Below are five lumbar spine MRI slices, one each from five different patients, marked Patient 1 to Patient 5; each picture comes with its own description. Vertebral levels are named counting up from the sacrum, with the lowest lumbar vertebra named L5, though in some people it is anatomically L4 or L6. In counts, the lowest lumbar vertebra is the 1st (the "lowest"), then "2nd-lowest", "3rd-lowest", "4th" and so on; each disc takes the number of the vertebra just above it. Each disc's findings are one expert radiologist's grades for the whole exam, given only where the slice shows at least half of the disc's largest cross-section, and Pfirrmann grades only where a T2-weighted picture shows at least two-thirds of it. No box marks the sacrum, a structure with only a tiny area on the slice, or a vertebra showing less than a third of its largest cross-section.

Patient 1 of 5:
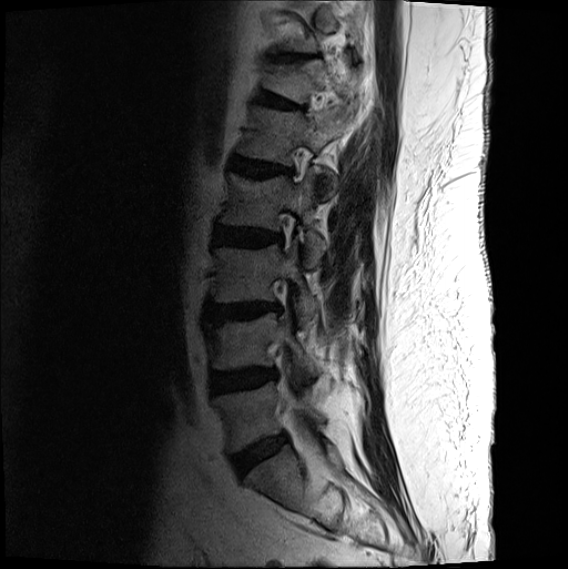

Sagittal T2-weighted lumbar spine MRI | Sagittal slice index 4 | Image 568x569 | Sex M

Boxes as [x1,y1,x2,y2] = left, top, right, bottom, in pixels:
T12 vertebra: [264,54,357,104].
Intervertebral disc L5/S1: [233,434,286,475].
L1/L2: [232,156,292,176].
L5 vertebra: [213,382,325,451].
Intervertebral disc T12/L1: [260,92,302,108].
Intervertebral disc L2/L3: [216,226,282,245].
L1: [238,107,351,165].
L4/L5: [211,368,276,392].
L3: [215,243,318,327].
L4: [211,313,318,381].
Intervertebral disc L3/L4: [207,303,281,324].
Intervertebral disc T11/T12: [276,53,304,60].
L2 vertebra: [222,173,337,267].

Radiological gradings:
- L1/L2: Pfirrmann grade 3, disc bulging, upper-endplate change, Modic type II, lower-endplate change, disc narrowing
- L4/L5: Pfirrmann grade 3, disc narrowing, disc bulging
- L2/L3: Pfirrmann grade 3, disc bulging, lower-endplate change
- L5/S1: Pfirrmann grade 2, disc bulging
- L3/L4: Pfirrmann grade 3, lower-endplate change, disc bulging, Modic type II, upper-endplate change

Patient 2 of 5:
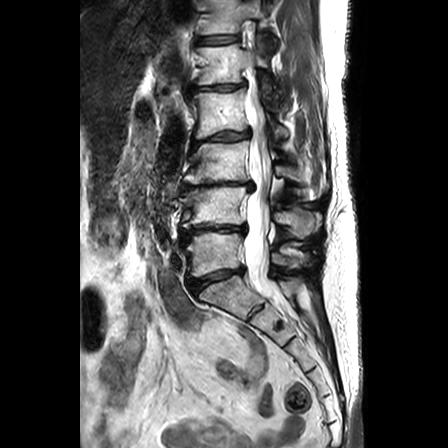 Slice spacing 3.3 mm. Slice 11/24. Sagittal T2-weighted lumbar spine MRI.
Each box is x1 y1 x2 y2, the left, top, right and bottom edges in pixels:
Spinal canal: 245 81 282 302.
4th disc: 190 129 249 151.
5th vertebra: 198 35 277 98.
2nd-lowest disc: 180 225 246 242.
2nd-lowest vertebra: 180 186 314 237.
4th vertebra: 190 89 287 137.
3rd-lowest vertebra: 183 140 322 197.
Lowest disc: 187 267 244 293.
5th disc: 189 81 244 93.
6th disc: 200 35 237 43.
Lowest vertebra: 185 231 307 277.
6th vertebra: 202 0 277 45.
3rd-lowest disc: 180 182 254 191.

Degenerative findings by level:
  2nd-lowest disc: Pfirrmann grade 5, Modic type II, upper-endplate change, disc narrowing, lower-endplate change, disc bulging
  4th disc: Pfirrmann grade 3, lower-endplate change, disc bulging, upper-endplate change, disc narrowing
  lowest disc: Pfirrmann grade 3, lower-endplate change, disc narrowing, disc bulging, upper-endplate change
  5th disc: disc bulging
  3rd-lowest disc: lower-endplate change, disc narrowing, Modic type II, disc bulging, upper-endplate change
  6th disc: no Modic or endplate change, herniation, narrowing, bulging or spondylolisthesis recorded

Patient 3 of 5:
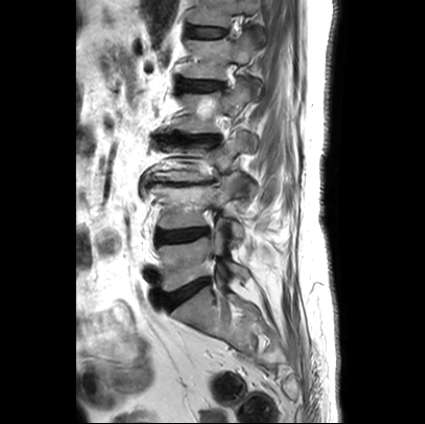
Sagittal T2-weighted lumbar spine MRI | Image 425x424

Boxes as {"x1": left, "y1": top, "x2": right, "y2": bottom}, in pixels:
Disc L5/S1 (lowest disc) at {"x1": 165, "y1": 278, "x2": 209, "y2": 308}, disc L3/L4 (3rd-lowest disc) at {"x1": 146, "y1": 179, "x2": 215, "y2": 186}, L5 (lowest vertebra) at {"x1": 158, "y1": 227, "x2": 248, "y2": 291}, L3 (3rd-lowest vertebra) at {"x1": 146, "y1": 131, "x2": 257, "y2": 195}, L4/L5 (2nd-lowest disc) at {"x1": 155, "y1": 228, "x2": 208, "y2": 244}, disc L1/L2 (5th disc) at {"x1": 177, "y1": 75, "x2": 222, "y2": 93}, L4 (2nd-lowest vertebra) at {"x1": 147, "y1": 175, "x2": 244, "y2": 243}, L1 (5th vertebra) at {"x1": 182, "y1": 32, "x2": 261, "y2": 97}, T12/L1 (6th disc) at {"x1": 187, "y1": 25, "x2": 226, "y2": 37}, L2/L3 (4th disc) at {"x1": 159, "y1": 135, "x2": 219, "y2": 143}, T12 (6th vertebra) at {"x1": 188, "y1": 0, "x2": 256, "y2": 26}, L2 (4th vertebra) at {"x1": 166, "y1": 80, "x2": 249, "y2": 133}.

Expert MSK radiologist gradings (per disc):
• L2/L3 (4th disc): Pfirrmann grade 1, disc narrowing, disc bulging, upper-endplate change, lower-endplate change
• T12/L1 (6th disc): Pfirrmann grade 2
• L1/L2 (5th disc): Pfirrmann grade 4, upper-endplate change, lower-endplate change, disc bulging
• L4/L5 (2nd-lowest disc): Pfirrmann grade 2, disc bulging
• L5/S1 (lowest disc): Pfirrmann grade 1, disc bulging

Patient 4 of 5:
MRI lumbar spine (T1-weighted), sagittal plane. SIEMENS Aera (1.5T). Sagittal slice index 14. 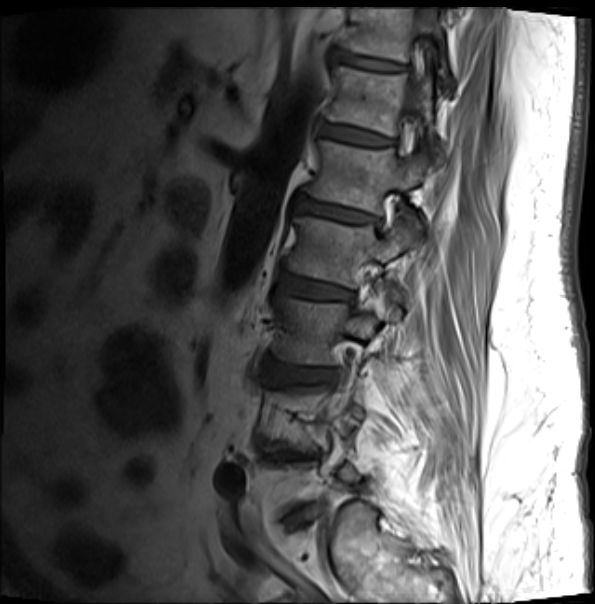

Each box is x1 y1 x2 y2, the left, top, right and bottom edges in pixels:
• 7th vertebra at 342 8 447 83
• 6th disc at 322 124 390 145
• 5th disc at 294 196 379 224
• 5th vertebra at 303 141 425 234
• 4th disc at 279 275 353 298
• 3rd-lowest vertebra at 274 293 399 365
• 7th disc at 333 52 403 71
• spinal canal at 400 9 438 147
• 3rd-lowest disc at 270 366 336 382
• 6th vertebra at 326 67 442 164
• 4th vertebra at 285 215 412 288

Degenerative findings by level:
- 3rd-lowest disc: disc narrowing, disc bulging, Modic type II, upper-endplate change, lower-endplate change
- 7th disc: Modic type II, disc bulging, lower-endplate change, upper-endplate change
- 6th disc: lower-endplate change, upper-endplate change, Modic type II
- 5th disc: lower-endplate change, upper-endplate change, disc bulging, Modic type II
- 4th disc: Modic type II, upper-endplate change, disc bulging, lower-endplate change

Patient 5 of 5:
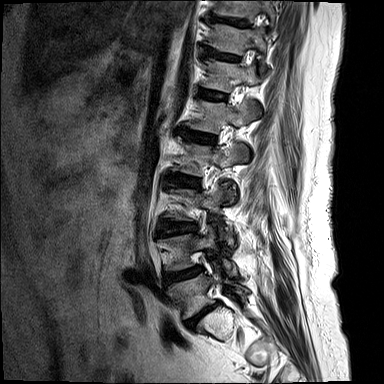 T2-weighted sagittal MRI of the lumbar spine
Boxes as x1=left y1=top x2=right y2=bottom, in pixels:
{"4th disc": "x1=169 y1=174 x2=199 y2=187", "3rd-lowest disc": "x1=161 y1=221 x2=195 y2=233", "2nd-lowest disc": "x1=164 y1=267 x2=201 y2=283", "8th vertebra": "x1=214 y1=0 x2=276 y2=21", "lowest vertebra": "x1=169 y1=269 x2=249 y2=317", "2nd-lowest vertebra": "x1=169 y1=227 x2=231 y2=271", "6th vertebra": "x1=204 y1=60 x2=262 y2=91", "7th disc": "x1=206 y1=49 x2=239 y2=61", "8th disc": "x1=208 y1=16 x2=247 y2=26", "lowest disc": "x1=187 y1=303 x2=218 y2=326", "5th vertebra": "x1=192 y1=101 x2=262 y2=132", "7th vertebra": "x1=210 y1=25 x2=270 y2=53", "5th disc": "x1=181 y1=129 x2=214 y2=143", "6th disc": "x1=200 y1=89 x2=224 y2=99"}

Degenerative findings by level:
  5th disc: Pfirrmann grade 3, disc bulging
  6th disc: Pfirrmann grade 2, Modic type II
  4th disc: disc bulging
  3rd-lowest disc: disc bulging
  2nd-lowest disc: Pfirrmann grade 4, disc narrowing, Modic type II, lower-endplate change, upper-endplate change, disc bulging
  7th disc: Pfirrmann grade 2, Modic type II, upper-endplate change
  8th disc: Pfirrmann grade 5, Modic type II, lower-endplate change, disc narrowing